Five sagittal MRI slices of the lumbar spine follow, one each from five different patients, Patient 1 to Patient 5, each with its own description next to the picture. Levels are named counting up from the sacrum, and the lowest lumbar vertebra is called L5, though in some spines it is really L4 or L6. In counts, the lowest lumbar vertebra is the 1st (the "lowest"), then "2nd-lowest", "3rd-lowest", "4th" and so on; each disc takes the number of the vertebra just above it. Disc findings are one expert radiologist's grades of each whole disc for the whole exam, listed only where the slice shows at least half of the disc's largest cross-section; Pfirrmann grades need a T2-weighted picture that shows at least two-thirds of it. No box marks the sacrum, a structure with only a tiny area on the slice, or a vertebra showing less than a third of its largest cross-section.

Patient 1 of 5:
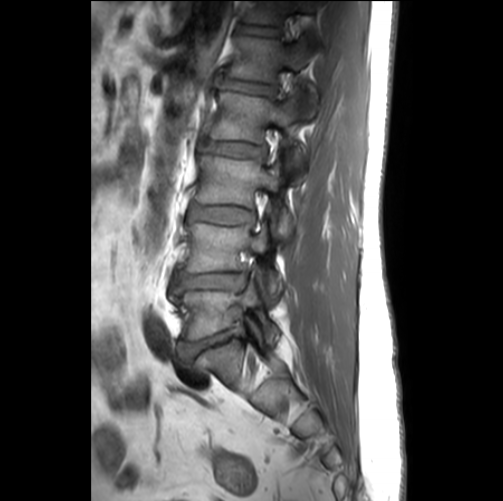 MRI lumbar spine (T1-weighted), sagittal plane | Patient sex: M | Slice 18/26

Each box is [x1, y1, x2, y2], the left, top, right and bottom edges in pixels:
L1 vertebra — [227, 36, 317, 118].
L5 vertebra — [171, 281, 279, 345].
IVD T12/L1 — [240, 24, 279, 35].
IVD L5/S1 — [178, 329, 244, 364].
T12 vertebra — [244, 1, 311, 24].
IVD L2/L3 — [203, 140, 265, 157].
L4 — [179, 220, 282, 297].
L2 — [206, 88, 306, 171].
L3 vertebra — [196, 153, 291, 241].
L1/L2 — [223, 78, 275, 94].
IVD L4/L5 — [173, 272, 246, 294].
L3/L4 — [189, 203, 254, 223].

Degenerative findings by level:
• L4/L5: disc bulging, upper-endplate change, Modic type II, disc narrowing, lower-endplate change
• L5/S1: disc bulging, disc narrowing
• L2/L3, L1/L2, T12/L1, L3/L4: no Modic or endplate change, herniation, narrowing, bulging or spondylolisthesis recorded

Patient 2 of 5:
Sex M, Slice 6 of 8, Field of view 280x282 mm, slice spacing 9.6 mm, MRI lumbar spine (T2-weighted), sagittal plane

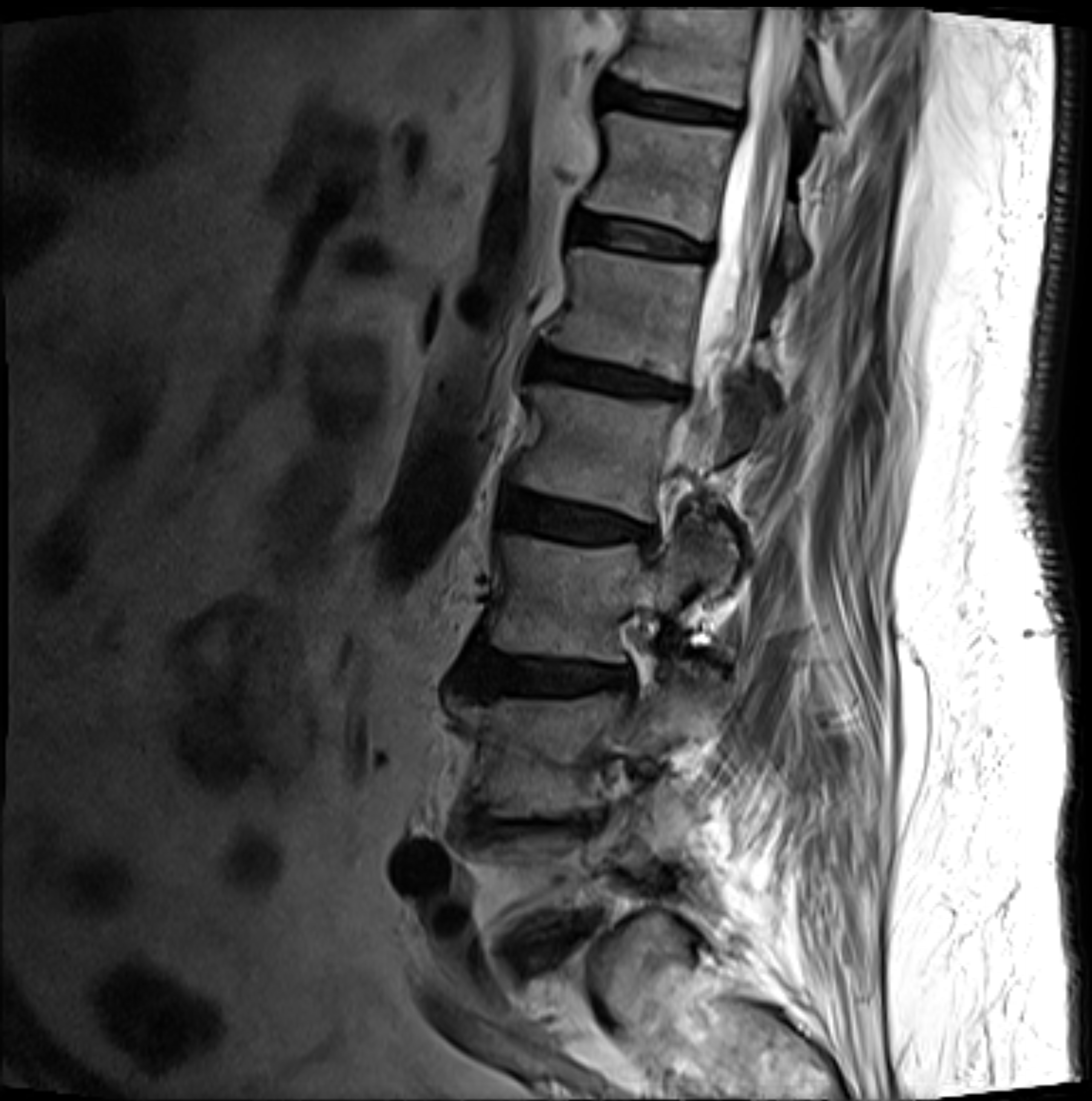
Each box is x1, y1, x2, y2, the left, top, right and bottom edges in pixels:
Disc L3/L4 at 466, 654, 631, 694.
Disc L1/L2 at 532, 353, 691, 400.
L1 vertebra at 543, 250, 773, 443.
T11 vertebra at 611, 8, 836, 127.
T12/L1 at 577, 221, 708, 261.
L3 at 481, 533, 733, 666.
T12 at 586, 115, 807, 279.
L2 at 512, 388, 719, 525.
L4 at 489, 672, 705, 822.
Disc T11/T12 at 600, 85, 736, 127.
Spinal canal at 683, 6, 807, 450.
Disc L4/L5 at 475, 815, 605, 840.
Disc L5/S1 at 512, 921, 583, 974.
Disc L2/L3 at 500, 492, 651, 542.

Degenerative findings by level:
- L3/L4: Pfirrmann grade 3, upper-endplate change, disc bulging, Modic type II, disc narrowing, lower-endplate change
- L2/L3: Pfirrmann grade 3, upper-endplate change, lower-endplate change, disc bulging, Modic type II
- T11/T12: Pfirrmann grade 4, Modic type II, disc bulging, upper-endplate change, lower-endplate change
- L1/L2: Pfirrmann grade 4, Modic type II, disc bulging, upper-endplate change, lower-endplate change
- L4/L5: Pfirrmann grade 5, Modic type II, upper-endplate change, disc narrowing, disc bulging, lower-endplate change
- T12/L1: Pfirrmann grade 3, lower-endplate change, upper-endplate change, Modic type II

Patient 3 of 5:
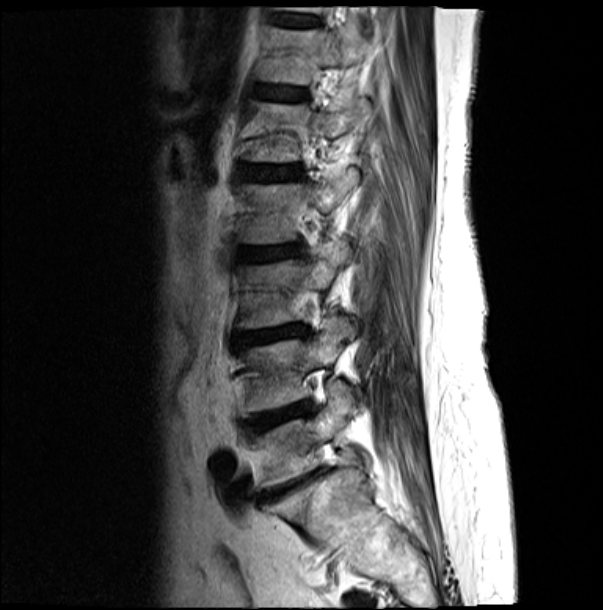 MRI lumbar spine (T2-weighted), sagittal plane | Sex F | 603x610 px
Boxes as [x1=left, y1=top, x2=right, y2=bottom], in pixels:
L2 (4th vertebra): [x1=240, y1=169, x2=358, y2=244]
L5 (lowest vertebra): [x1=256, y1=381, x2=354, y2=487]
L3 (3rd-lowest vertebra): [x1=240, y1=240, x2=350, y2=328]
T12 (6th vertebra): [x1=262, y1=23, x2=369, y2=84]
intervertebral disc L2/L3 (4th disc): [x1=239, y1=247, x2=297, y2=260]
L1 (5th vertebra): [x1=248, y1=98, x2=369, y2=162]
intervertebral disc L3/L4 (3rd-lowest disc): [x1=235, y1=325, x2=308, y2=345]
T11/T12 (7th disc): [x1=275, y1=15, x2=318, y2=25]
intervertebral disc L4/L5 (2nd-lowest disc): [x1=245, y1=403, x2=311, y2=431]
intervertebral disc L5/S1 (lowest disc): [x1=260, y1=473, x2=319, y2=499]
T12/L1 (6th disc): [x1=260, y1=87, x2=305, y2=100]
L4 (2nd-lowest vertebra): [x1=240, y1=317, x2=354, y2=415]
intervertebral disc L1/L2 (5th disc): [x1=245, y1=167, x2=300, y2=180]

Degenerative findings by level:
• L1/L2 (5th disc): Modic type II, upper-endplate change, lower-endplate change, disc bulging
• T11/T12 (7th disc): Modic type II
• L4/L5 (2nd-lowest disc): disc narrowing, disc bulging, lower-endplate change, upper-endplate change, Modic type II
• L3/L4 (3rd-lowest disc): Pfirrmann grade 4, Modic type II, upper-endplate change, disc narrowing, lower-endplate change, disc bulging
• L2/L3 (4th disc): Modic type II, disc bulging, lower-endplate change, upper-endplate change
• T12/L1 (6th disc): upper-endplate change, Modic type II, lower-endplate change

Patient 4 of 5:
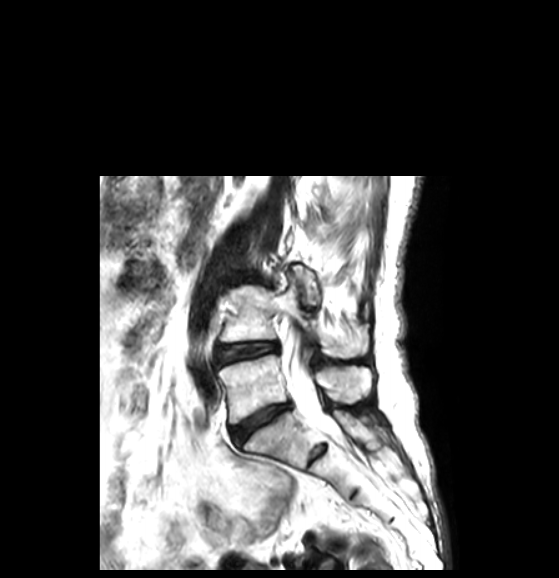

Patient sex: F. Lumbar spine MR, T2-weighted, sagittal.

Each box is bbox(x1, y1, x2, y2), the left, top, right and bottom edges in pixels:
IVD L4/L5 at bbox(217, 342, 277, 364); thecal sac / spinal canal at bbox(282, 328, 335, 434); L4 vertebra at bbox(221, 270, 366, 358); IVD L5/S1 at bbox(232, 403, 289, 440); L5 vertebra at bbox(218, 355, 371, 424).

Degenerative findings by level:
  L5/S1: Pfirrmann grade 3, disc narrowing, disc bulging
  L4/L5: Pfirrmann grade 3, disc bulging

Patient 5 of 5:
T2-weighted sagittal MRI of the lumbar spine; 861x872 px 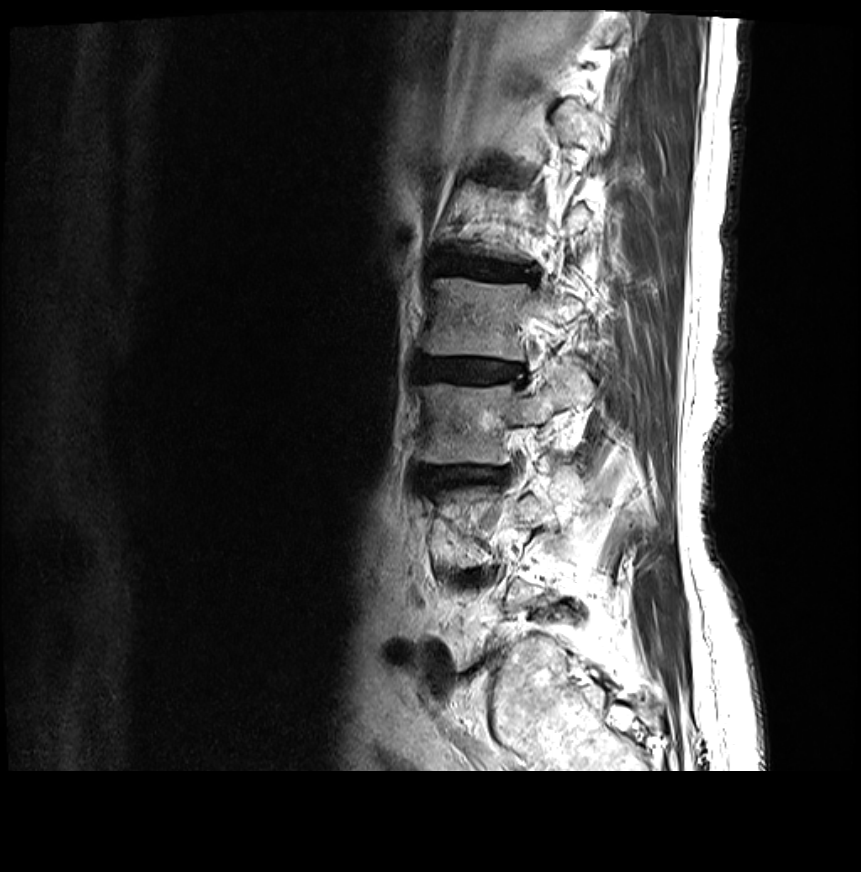 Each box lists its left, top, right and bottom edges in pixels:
{"3rd-lowest vertebra": "left=417, top=359, right=594, bottom=465", "4th disc": "left=415, top=359, right=522, bottom=382", "3rd-lowest disc": "left=415, top=466, right=507, bottom=487", "4th vertebra": "left=420, top=278, right=586, bottom=362", "5th disc": "left=432, top=257, right=534, bottom=279"}

Expert MSK radiologist gradings (per disc):
- 5th disc: Pfirrmann grade 4, upper-endplate change, lower-endplate change, disc bulging, Modic type II, disc narrowing
- 3rd-lowest disc: Modic type II, lower-endplate change, disc bulging, upper-endplate change, disc narrowing
- 4th disc: Pfirrmann grade 4, upper-endplate change, lower-endplate change, disc bulging, disc narrowing, Modic type II